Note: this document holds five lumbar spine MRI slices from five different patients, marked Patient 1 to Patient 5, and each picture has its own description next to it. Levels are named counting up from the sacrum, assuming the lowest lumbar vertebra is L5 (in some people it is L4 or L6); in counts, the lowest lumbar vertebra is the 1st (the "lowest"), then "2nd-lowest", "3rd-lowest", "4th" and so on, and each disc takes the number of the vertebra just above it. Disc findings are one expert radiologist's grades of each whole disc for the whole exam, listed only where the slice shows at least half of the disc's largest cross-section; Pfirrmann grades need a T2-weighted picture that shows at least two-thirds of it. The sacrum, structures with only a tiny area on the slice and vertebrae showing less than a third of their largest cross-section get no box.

Patient 1 of 5:
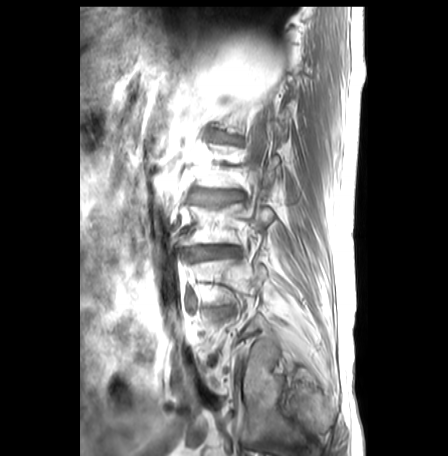
Slice 8 of 30, Image 448x456, Slice spacing 3.2 mm, MRI lumbar spine (T1-weighted), sagittal plane, Sex M

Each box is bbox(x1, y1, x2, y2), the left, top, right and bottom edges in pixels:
3rd-lowest vertebra: bbox(180, 204, 273, 245).
2nd-lowest disc: bbox(212, 308, 230, 315).
4th disc: bbox(191, 192, 240, 211).
3rd-lowest disc: bbox(185, 246, 236, 262).

Degenerative findings by level:
  3rd-lowest disc: disc bulging, Modic type II, lower-endplate change, disc narrowing, upper-endplate change
  4th disc: upper-endplate change, disc bulging, Modic type II, disc narrowing, lower-endplate change

Patient 2 of 5:
Patient sex: F | 384x384 px | Sagittal slice index 3 | T2-weighted sagittal MRI of the lumbar spine

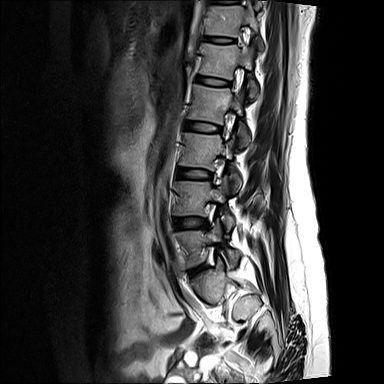 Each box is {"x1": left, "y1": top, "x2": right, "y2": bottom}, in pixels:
L1 vertebra — {"x1": 200, "y1": 44, "x2": 257, "y2": 96} | T12 vertebra — {"x1": 208, "y1": 6, "x2": 264, "y2": 51} | L3/L4 — {"x1": 177, "y1": 168, "x2": 210, "y2": 179} | L1/L2 — {"x1": 197, "y1": 76, "x2": 228, "y2": 85} | L2/L3 — {"x1": 184, "y1": 121, "x2": 220, "y2": 132} | disc L4/L5 — {"x1": 175, "y1": 218, "x2": 205, "y2": 228} | L2 — {"x1": 188, "y1": 85, "x2": 250, "y2": 148} | L5 — {"x1": 177, "y1": 219, "x2": 239, "y2": 266} | disc T12/L1 — {"x1": 208, "y1": 37, "x2": 234, "y2": 43} | L4 — {"x1": 175, "y1": 176, "x2": 234, "y2": 230} | L3 vertebra — {"x1": 180, "y1": 133, "x2": 240, "y2": 192}

Degenerative findings by level:
  L4/L5: Modic type II, disc bulging
  L3/L4: Pfirrmann grade 1
  L1/L2: Pfirrmann grade 1
  L2/L3: Pfirrmann grade 1
  T12/L1: no spondylolisthesis, narrowing, bulging, herniation, Modic or endplate change recorded

Patient 3 of 5:
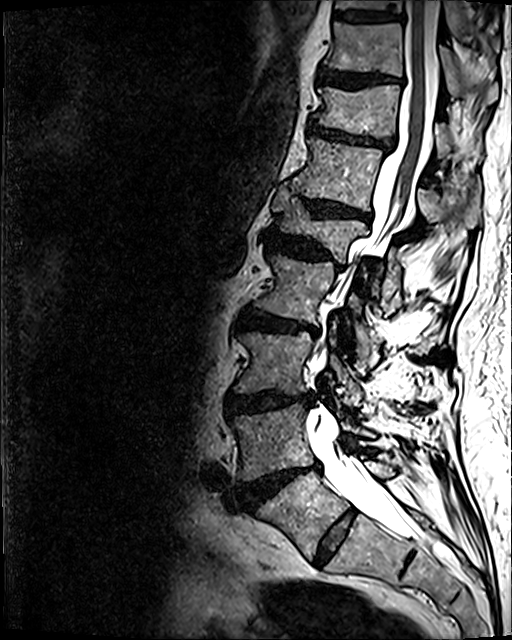

Sagittal slice index 70, Sagittal T2 SPACE (3D) lumbar spine MRI, Sex M
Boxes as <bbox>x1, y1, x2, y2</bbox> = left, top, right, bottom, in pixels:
Segmented structures:
- T10: <bbox>324, 22, 498, 105</bbox>
- intervertebral disc T11/T12: <bbox>309, 122, 390, 150</bbox>
- L5: <bbox>257, 461, 395, 559</bbox>
- intervertebral disc L3/L4: <bbox>227, 392, 313, 414</bbox>
- intervertebral disc L2/L3: <bbox>240, 311, 319, 336</bbox>
- L2 vertebra: <bbox>254, 255, 430, 360</bbox>
- L3 vertebra: <bbox>234, 330, 362, 405</bbox>
- L4 vertebra: <bbox>232, 405, 375, 481</bbox>
- L4/L5: <bbox>242, 463, 319, 507</bbox>
- spinal canal: <bbox>306, 0, 452, 558</bbox>
- T9/T10: <bbox>335, 10, 400, 21</bbox>
- T11 vertebra: <bbox>314, 84, 465, 157</bbox>
- L5/S1: <bbox>314, 510, 355, 565</bbox>
- intervertebral disc T12/L1: <bbox>304, 199, 369, 219</bbox>
- T12 vertebra: <bbox>290, 137, 479, 227</bbox>
- L1/L2: <bbox>266, 232, 341, 267</bbox>
- L1: <bbox>272, 186, 401, 297</bbox>
- T10/T11: <bbox>319, 69, 401, 88</bbox>
- T9: <bbox>336, 0, 500, 51</bbox>

Expert MSK radiologist gradings (per disc):
  L2/L3: Pfirrmann grade 4, Modic type II, lower-endplate change, upper-endplate change, disc narrowing, disc bulging
  T10/T11: Pfirrmann grade 4, lower-endplate change, upper-endplate change, disc bulging
  T11/T12: Pfirrmann grade 4, upper-endplate change, lower-endplate change, disc bulging, disc narrowing
  L5/S1: Pfirrmann grade 2
  L4/L5: Pfirrmann grade 5, disc herniation, disc narrowing, disc bulging, upper-endplate change, lower-endplate change, Modic type II
  L1/L2: Pfirrmann grade 4, disc bulging, disc narrowing, upper-endplate change, lower-endplate change
  L3/L4: Pfirrmann grade 4, disc bulging, disc narrowing, lower-endplate change, upper-endplate change
  T12/L1: Pfirrmann grade 4, upper-endplate change, lower-endplate change, disc bulging, disc narrowing
  T9/T10: Pfirrmann grade 3, lower-endplate change

Patient 4 of 5:
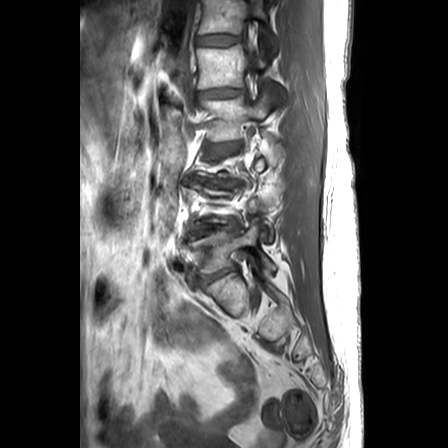 Image 448x448; Lumbar spine MR, T1-weighted, sagittal; Sagittal slice index 17

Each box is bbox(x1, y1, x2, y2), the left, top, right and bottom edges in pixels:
Structures:
- 6th vertebra at bbox(198, 0, 274, 51)
- 2nd-lowest disc at bbox(192, 221, 240, 236)
- 5th vertebra at bbox(197, 44, 284, 101)
- lowest vertebra at bbox(189, 220, 275, 274)
- 3rd-lowest disc at bbox(201, 180, 235, 187)
- 4th disc at bbox(206, 142, 240, 159)
- 6th disc at bbox(196, 34, 241, 45)
- spinal canal at bbox(248, 35, 255, 52)
- lowest disc at bbox(200, 266, 240, 285)
- 5th disc at bbox(195, 88, 245, 98)
- 4th vertebra at bbox(199, 82, 274, 141)

Degenerative findings by level:
  2nd-lowest disc: disc bulging, lower-endplate change, upper-endplate change, Modic type II, disc narrowing
  5th disc: disc bulging
  4th disc: lower-endplate change, disc bulging, upper-endplate change, disc narrowing
  6th disc: no spondylolisthesis, narrowing, bulging, herniation, Modic or endplate change recorded

Patient 5 of 5:
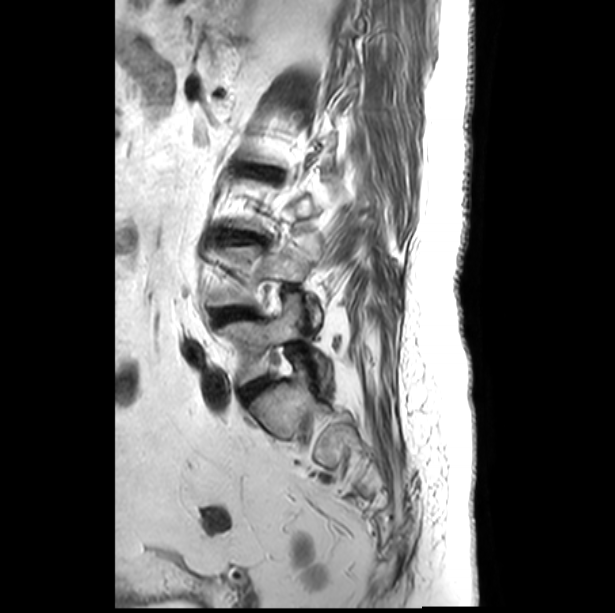
T2-weighted sagittal MRI of the lumbar spine

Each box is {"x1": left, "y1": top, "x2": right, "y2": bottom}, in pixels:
- L2/L3: {"x1": 253, "y1": 169, "x2": 277, "y2": 178}
- L5 vertebra: {"x1": 219, "y1": 294, "x2": 331, "y2": 395}
- intervertebral disc L4/L5: {"x1": 214, "y1": 309, "x2": 254, "y2": 323}
- L4: {"x1": 208, "y1": 242, "x2": 323, "y2": 327}
- intervertebral disc L3/L4: {"x1": 222, "y1": 232, "x2": 262, "y2": 241}
- L5/S1: {"x1": 242, "y1": 378, "x2": 270, "y2": 398}